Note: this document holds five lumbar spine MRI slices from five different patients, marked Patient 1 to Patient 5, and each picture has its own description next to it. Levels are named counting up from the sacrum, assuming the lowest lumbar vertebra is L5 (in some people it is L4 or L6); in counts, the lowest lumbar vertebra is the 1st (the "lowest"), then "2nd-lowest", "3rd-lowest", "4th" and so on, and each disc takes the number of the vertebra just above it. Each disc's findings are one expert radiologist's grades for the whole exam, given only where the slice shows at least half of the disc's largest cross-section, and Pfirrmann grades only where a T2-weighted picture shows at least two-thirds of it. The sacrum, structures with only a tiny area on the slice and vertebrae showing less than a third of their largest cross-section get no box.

Patient 1 of 5:
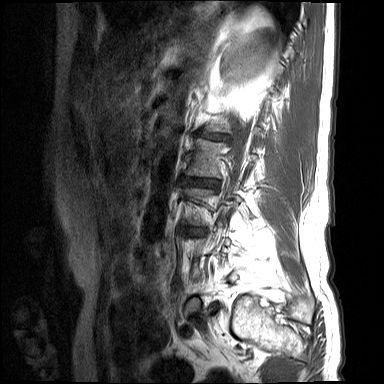
Sagittal T1-weighted lumbar spine MRI | Field of view 280x280 mm, slice spacing 4.4 mm

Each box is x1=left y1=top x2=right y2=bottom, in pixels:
5th disc at x1=197 y1=132 x2=226 y2=139, 4th vertebra at x1=186 y1=138 x2=253 y2=178, 4th disc at x1=180 y1=177 x2=219 y2=186.

Radiological gradings:
  4th disc: upper-endplate change, disc bulging, disc narrowing, lower-endplate change
  5th disc: lower-endplate change, disc narrowing, upper-endplate change

Patient 2 of 5:
Patient sex: M; Sagittal T2 SPACE (3D) lumbar spine MRI; Sagittal slice index 32; Slice spacing 0.9 mm
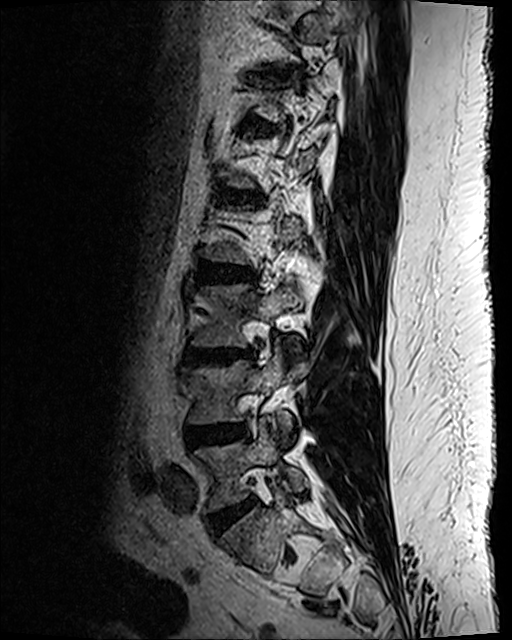

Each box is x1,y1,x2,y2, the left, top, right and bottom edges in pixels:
Annotations:
* 3rd-lowest disc: 186,351,253,364
* lowest vertebra: 195,420,306,508
* 2nd-lowest disc: 186,426,247,447
* 3rd-lowest vertebra: 192,285,300,347
* 4th disc: 213,270,255,282
* 2nd-lowest vertebra: 191,349,291,428
* lowest disc: 210,501,253,531
* 5th disc: 221,190,245,202
* 7th disc: 269,69,301,79

Per-level radiological findings:
  2nd-lowest disc: disc narrowing, disc bulging

Patient 3 of 5:
Patient sex: F; MRI lumbar spine (T2-weighted), sagittal plane 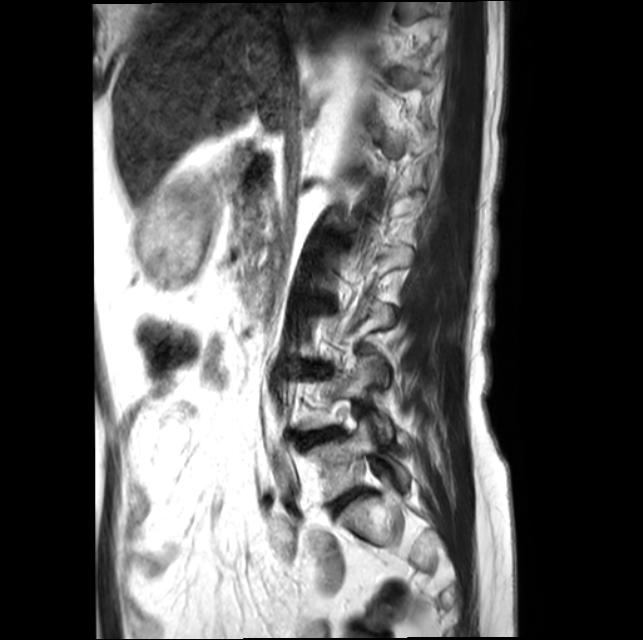 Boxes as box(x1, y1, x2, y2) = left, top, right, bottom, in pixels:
Annotations:
- L4/L5 at box(301, 430, 339, 445)
- L5 at box(307, 418, 409, 500)
- L5/S1 at box(335, 491, 361, 511)

Patient 4 of 5:
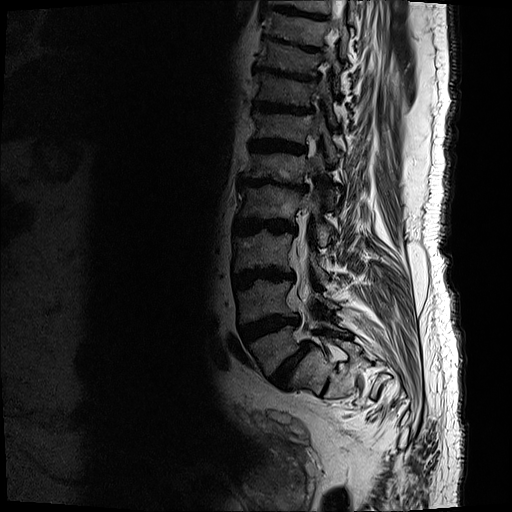 Sagittal slice index 6 | MRI lumbar spine (T2-weighted), sagittal plane | Field of view 300x300 mm
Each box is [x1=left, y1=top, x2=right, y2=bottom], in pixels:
3rd-lowest vertebra at [x1=235, y1=230, x2=329, y2=283], lowest disc at [x1=271, y1=342, x2=310, y2=389], 9th disc at [x1=263, y1=34, x2=324, y2=52], 5th disc at [x1=239, y1=176, x2=310, y2=193], 4th vertebra at [x1=239, y1=184, x2=332, y2=247], 4th disc at [x1=235, y1=218, x2=296, y2=235], lowest vertebra at [x1=248, y1=319, x2=351, y2=376], 2nd-lowest disc at [x1=239, y1=315, x2=300, y2=344], 7th disc at [x1=254, y1=101, x2=316, y2=115], 6th vertebra at [x1=253, y1=105, x2=340, y2=165], spinal canal at [x1=299, y1=0, x2=346, y2=299], 3rd-lowest disc at [x1=233, y1=268, x2=294, y2=289], 2nd-lowest vertebra at [x1=237, y1=280, x2=338, y2=325], 8th disc at [x1=255, y1=66, x2=320, y2=82], 8th vertebra at [x1=259, y1=41, x2=343, y2=93], 6th disc at [x1=250, y1=139, x2=308, y2=155], 5th vertebra at [x1=245, y1=141, x2=338, y2=209], 7th vertebra at [x1=255, y1=73, x2=338, y2=126].

Radiological gradings:
  2nd-lowest disc: Pfirrmann grade 5, disc bulging, upper-endplate change, Modic type II, disc narrowing, lower-endplate change
  5th disc: upper-endplate change, lower-endplate change, Modic type II, disc narrowing, disc bulging
  6th disc: Pfirrmann grade 5, disc narrowing, Modic type II, disc bulging, lower-endplate change, upper-endplate change
  7th disc: Pfirrmann grade 5, disc narrowing, lower-endplate change, disc bulging, Modic type II, upper-endplate change
  4th disc: Pfirrmann grade 5, disc bulging, disc narrowing, upper-endplate change, lower-endplate change, Modic type II
  lowest disc: Pfirrmann grade 5, lower-endplate change, spondylolisthesis, upper-endplate change, disc narrowing, Modic type II, disc bulging
  3rd-lowest disc: Pfirrmann grade 5, Modic type II, lower-endplate change, disc bulging, upper-endplate change, disc narrowing

Patient 5 of 5:
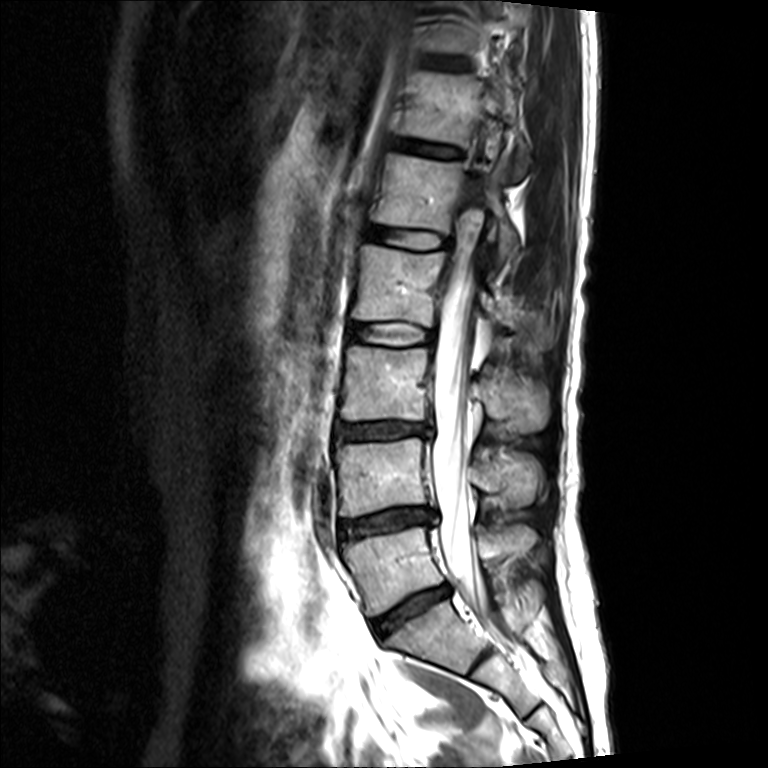 MRI lumbar spine (T2-weighted), sagittal plane; Slice spacing 4.4 mm; 768x768 px

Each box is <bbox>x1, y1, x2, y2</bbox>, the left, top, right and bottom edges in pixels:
L4 vertebra = <bbox>336, 437, 543, 515</bbox> | L2 = <bbox>352, 246, 512, 326</bbox> | L3 = <bbox>341, 345, 549, 431</bbox> | L5/S1 = <bbox>373, 585, 450, 637</bbox> | T12/L1 = <bbox>400, 139, 459, 158</bbox> | T11/T12 = <bbox>428, 55, 470, 70</bbox> | L1 vertebra = <bbox>378, 152, 520, 258</bbox> | T12 vertebra = <bbox>410, 73, 519, 145</bbox> | L3/L4 = <bbox>337, 422, 431, 438</bbox> | disc L4/L5 = <bbox>341, 506, 436, 538</bbox> | thecal sac / spinal canal = <bbox>431, 216, 488, 612</bbox> | disc L2/L3 = <bbox>349, 323, 432, 344</bbox> | disc L1/L2 = <bbox>372, 226, 449, 248</bbox> | L5 = <bbox>344, 524, 537, 615</bbox>

Per-level radiological findings:
• L4/L5: Pfirrmann grade 4, disc narrowing, disc bulging
• L3/L4: Pfirrmann grade 4, disc bulging, disc narrowing
• T12/L1: Pfirrmann grade 2
• L5/S1: Pfirrmann grade 4, disc bulging, disc narrowing
• L2/L3: Pfirrmann grade 2, Modic type II
• L1/L2: Pfirrmann grade 2